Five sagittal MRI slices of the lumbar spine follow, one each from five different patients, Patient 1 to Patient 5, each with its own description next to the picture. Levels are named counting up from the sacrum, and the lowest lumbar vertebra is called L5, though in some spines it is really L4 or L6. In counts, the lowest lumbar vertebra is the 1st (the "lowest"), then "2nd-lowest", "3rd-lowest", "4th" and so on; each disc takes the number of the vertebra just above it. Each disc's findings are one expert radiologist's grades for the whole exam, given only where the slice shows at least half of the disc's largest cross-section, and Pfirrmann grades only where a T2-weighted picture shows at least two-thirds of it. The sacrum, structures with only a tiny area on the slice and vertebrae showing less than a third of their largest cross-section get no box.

Patient 1 of 5:
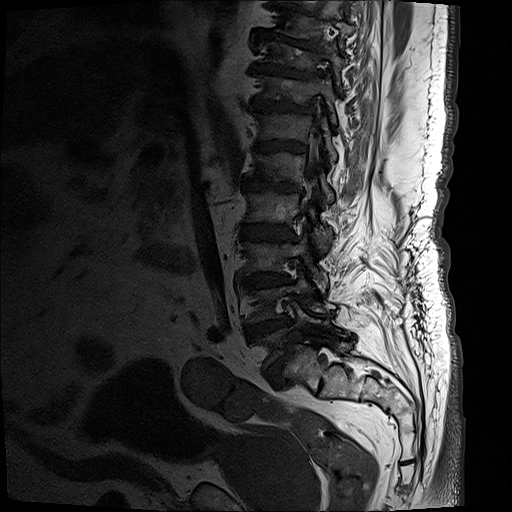
Sex M | T1-weighted sagittal MRI of the lumbar spine
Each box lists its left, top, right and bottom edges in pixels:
lowest disc at left=265, top=342, right=292, bottom=383 | 4th vertebra at left=245, top=185, right=334, bottom=249 | 6th vertebra at left=255, top=111, right=337, bottom=163 | 8th vertebra at left=260, top=41, right=348, bottom=86 | 2nd-lowest disc at left=244, top=315, right=292, bottom=339 | 7th vertebra at left=256, top=73, right=336, bottom=126 | 5th disc at left=243, top=178, right=304, bottom=194 | 7th disc at left=251, top=96, right=316, bottom=113 | 3rd-lowest disc at left=244, top=273, right=289, bottom=288 | 6th disc at left=255, top=139, right=307, bottom=153 | 3rd-lowest vertebra at left=243, top=225, right=329, bottom=291 | 8th disc at left=251, top=62, right=320, bottom=79 | 5th vertebra at left=251, top=150, right=334, bottom=205 | lowest vertebra at left=251, top=298, right=338, bottom=366 | 9th disc at left=252, top=36, right=322, bottom=49 | spinal canal at left=307, top=158, right=317, bottom=181 | 2nd-lowest vertebra at left=246, top=266, right=325, bottom=323 | 4th disc at left=242, top=224, right=292, bottom=240

Degenerative findings by level:
- 2nd-lowest disc: upper-endplate change, Modic type II, disc narrowing, disc bulging, lower-endplate change
- 5th disc: disc narrowing, disc bulging, upper-endplate change, lower-endplate change, Modic type II
- lowest disc: disc narrowing, Modic type II, upper-endplate change, lower-endplate change, disc bulging, spondylolisthesis
- 3rd-lowest disc: upper-endplate change, disc narrowing, lower-endplate change, disc bulging, Modic type II
- 7th disc: Modic type II, lower-endplate change, upper-endplate change, disc bulging, disc narrowing
- 6th disc: disc narrowing, disc bulging, Modic type II, upper-endplate change, lower-endplate change
- 8th disc: lower-endplate change, disc bulging, disc narrowing, upper-endplate change, Modic type II
- 4th disc: disc narrowing, Modic type II, upper-endplate change, disc bulging, lower-endplate change
- 9th disc: upper-endplate change, lower-endplate change, disc narrowing, disc bulging, Modic type II

Patient 2 of 5:
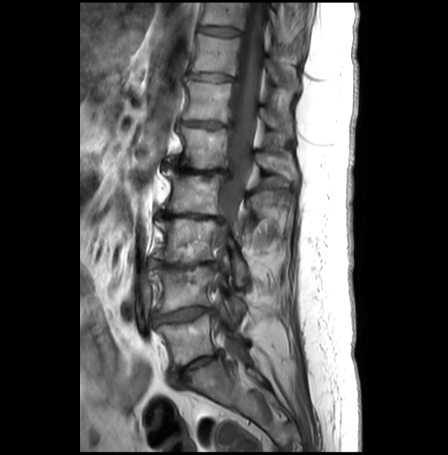 Image 448x455 | Lumbar spine MR, T1-weighted, sagittal | Sex F | Slice spacing 3.3 mm

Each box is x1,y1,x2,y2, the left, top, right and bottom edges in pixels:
7th disc at 189,71,232,80; 3rd-lowest disc at 148,258,216,266; 2nd-lowest disc at 153,305,214,322; 8th disc at 199,25,239,35; 8th vertebra at 200,3,305,56; 5th disc at 163,163,229,177; 2nd-lowest vertebra at 148,256,245,312; 5th vertebra at 167,127,297,180; 7th vertebra at 191,33,301,90; lowest disc at 171,350,220,381; 6th disc at 181,120,229,127; lowest vertebra at 157,313,246,369; 3rd-lowest vertebra at 153,217,248,284; 6th vertebra at 183,79,292,136; 4th vertebra at 163,169,271,217; 4th disc at 157,211,221,221; spinal canal at 216,3,265,368.

Expert MSK radiologist gradings (per disc):
  6th disc: upper-endplate change, Modic type II, lower-endplate change, disc bulging, disc narrowing
  lowest disc: disc narrowing, disc bulging, Modic type II, lower-endplate change, upper-endplate change
  5th disc: disc bulging, lower-endplate change, Modic type II, disc narrowing, upper-endplate change
  2nd-lowest disc: lower-endplate change, Modic type II, upper-endplate change, disc narrowing, disc herniation, disc bulging
  7th disc: disc bulging
  4th disc: disc bulging, upper-endplate change, Modic type II, lower-endplate change, disc narrowing
  3rd-lowest disc: Modic type II, disc bulging, lower-endplate change, upper-endplate change, disc narrowing
  8th disc: no herniation, bulging, narrowing, spondylolisthesis, endplate or Modic change recorded

Patient 3 of 5:
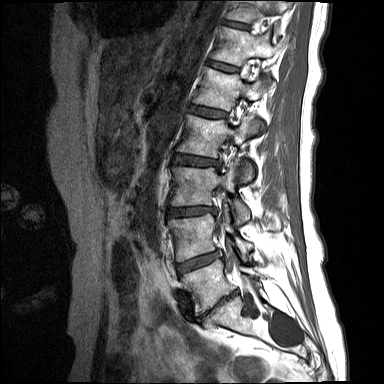
Slice 11/15 | T1-weighted sagittal MRI of the lumbar spine | Patient sex: F | Image 384x384

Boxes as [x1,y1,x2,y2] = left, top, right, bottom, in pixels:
Disc L3/L4 at [168,207,215,216].
L3 vertebra at [170,166,250,223].
Disc T11/T12 at [223,21,249,29].
Disc L1/L2 at [189,105,227,117].
L1 vertebra at [193,67,264,132].
L2 vertebra at [177,114,254,184].
L5 at [181,259,263,313].
L5/S1 at [201,290,237,316].
Disc L4/L5 at [177,251,219,274].
T11 at [227,0,286,22].
L4 vertebra at [168,203,252,261].
L2/L3 at [173,155,219,166].
Disc T12/L1 at [207,60,238,71].
T12 vertebra at [210,26,275,66].

Degenerative findings by level:
  L3/L4: disc bulging, Modic type II, disc narrowing
  L2/L3: Modic type II, upper-endplate change, disc bulging
  L1/L2: Modic type II
  L4/L5: Modic type II, disc bulging
  L5/S1: lower-endplate change, disc bulging, upper-endplate change, Modic type II, disc narrowing
  T12/L1, T11/T12: no Modic or endplate change, herniation, narrowing, bulging or spondylolisthesis recorded

Patient 4 of 5:
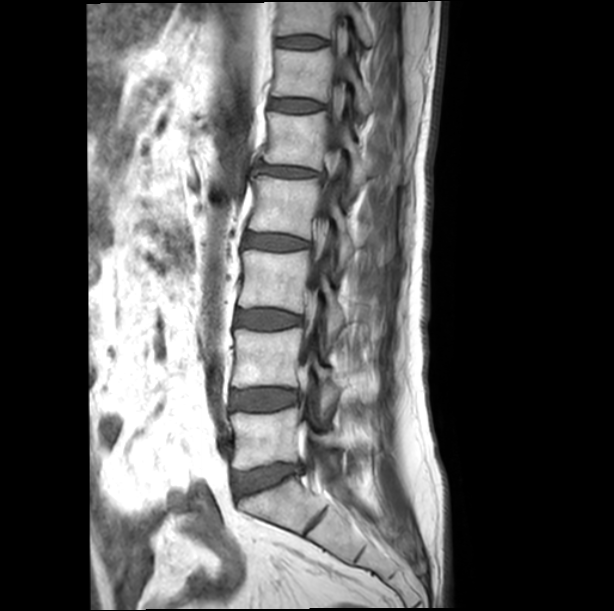 Slice 12 of 19, MRI lumbar spine (T1-weighted), sagittal plane, 614x611 px
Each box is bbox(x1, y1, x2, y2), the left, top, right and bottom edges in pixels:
Intervertebral disc L1/L2 (5th disc) at bbox(257, 164, 323, 177); L4 (2nd-lowest vertebra) at bbox(232, 328, 378, 403); T11 (7th vertebra) at bbox(277, 2, 374, 46); L2/L3 (4th disc) at bbox(244, 234, 310, 250); L5 (lowest vertebra) at bbox(231, 408, 373, 469); L3/L4 (3rd-lowest disc) at bbox(235, 310, 301, 328); L1 (5th vertebra) at bbox(264, 110, 370, 194); L4/L5 (2nd-lowest disc) at bbox(231, 389, 297, 410); T12 (6th vertebra) at bbox(271, 47, 373, 116); thecal sac / spinal canal at bbox(301, 2, 347, 459); L3 (3rd-lowest vertebra) at bbox(239, 250, 346, 342); L2 (4th vertebra) at bbox(249, 176, 356, 268); L5/S1 (lowest disc) at bbox(234, 464, 304, 495); intervertebral disc T12/L1 (6th disc) at bbox(270, 99, 323, 112); intervertebral disc T11/T12 (7th disc) at bbox(277, 36, 328, 48).

Expert MSK radiologist gradings (per disc):
- L1/L2 (5th disc): disc bulging, disc narrowing
- L5/S1 (lowest disc): disc bulging
- L3/L4 (3rd-lowest disc), L4/L5 (2nd-lowest disc), T11/T12 (7th disc), L2/L3 (4th disc), T12/L1 (6th disc): no herniation, bulging, narrowing, spondylolisthesis, endplate or Modic change recorded

Patient 5 of 5:
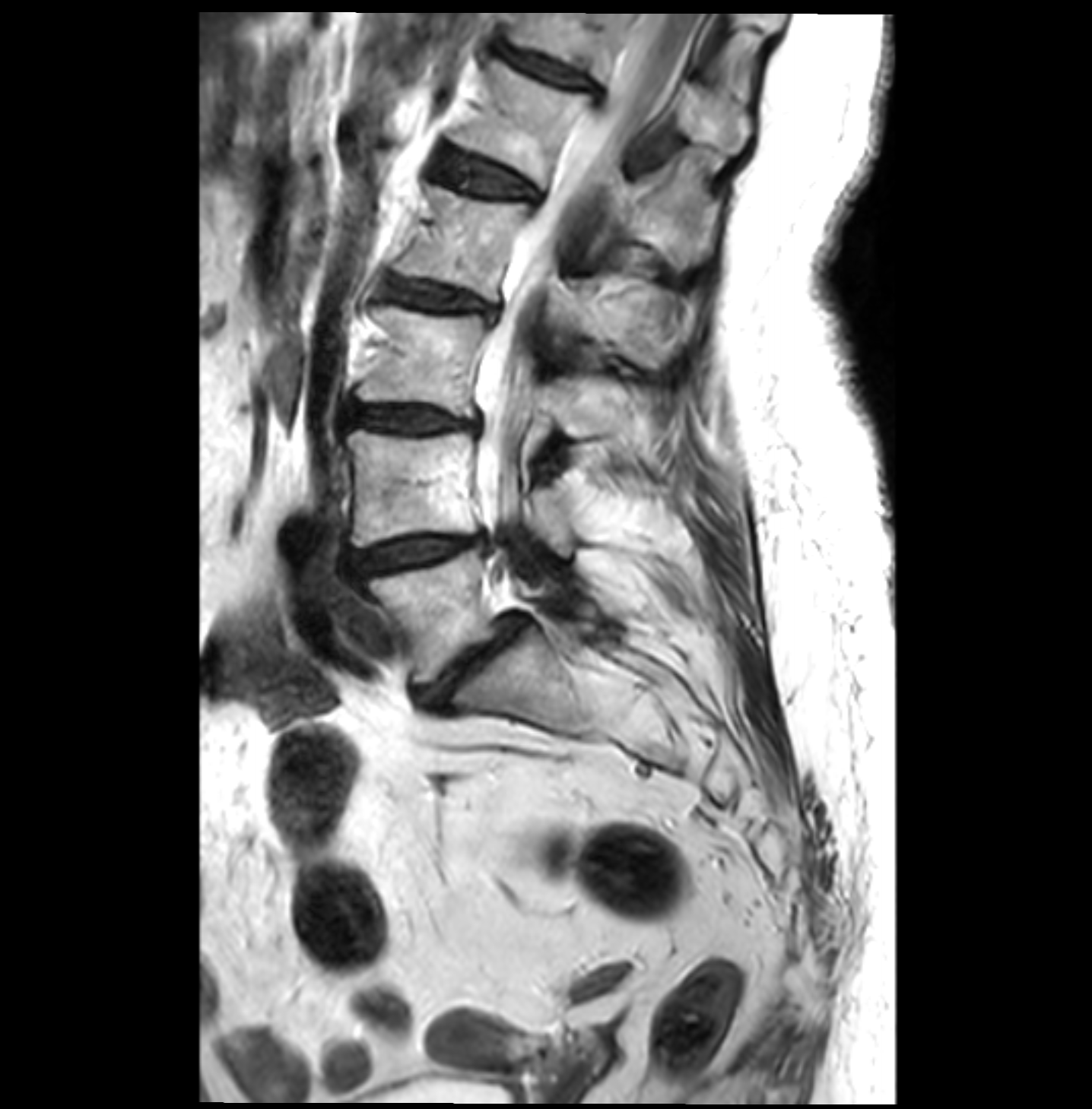
Sagittal T2-weighted lumbar spine MRI; 1092x1109 px; Field of view 283x287 mm, slice spacing 3.4 mm
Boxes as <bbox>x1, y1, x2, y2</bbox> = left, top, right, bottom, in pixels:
4th disc at <bbox>380, 279, 502, 323</bbox>.
5th vertebra at <bbox>449, 59, 719, 262</bbox>.
4th vertebra at <bbox>397, 186, 684, 357</bbox>.
2nd-lowest vertebra at <bbox>348, 430, 573, 555</bbox>.
Spinal canal at <bbox>476, 12, 683, 534</bbox>.
Lowest disc at <bbox>417, 616, 526, 711</bbox>.
2nd-lowest disc at <bbox>344, 534, 481, 580</bbox>.
Lowest vertebra at <bbox>366, 548, 597, 683</bbox>.
6th disc at <bbox>500, 47, 597, 93</bbox>.
5th disc at <bbox>435, 147, 536, 200</bbox>.
3rd-lowest vertebra at <bbox>356, 305, 632, 452</bbox>.
6th vertebra at <bbox>504, 10, 754, 154</bbox>.
3rd-lowest disc at <bbox>344, 405, 479, 433</bbox>.

Per-level radiological findings:
• lowest disc: disc narrowing, Modic type II, spondylolisthesis, disc bulging
• 6th disc: Pfirrmann grade 3, disc bulging
• 2nd-lowest disc: Pfirrmann grade 3, disc narrowing, disc bulging, Modic type II
• 4th disc: Modic type II, disc bulging
• 3rd-lowest disc: Pfirrmann grade 3, Modic type II, disc narrowing, disc bulging
• 5th disc: Pfirrmann grade 2, Modic type II